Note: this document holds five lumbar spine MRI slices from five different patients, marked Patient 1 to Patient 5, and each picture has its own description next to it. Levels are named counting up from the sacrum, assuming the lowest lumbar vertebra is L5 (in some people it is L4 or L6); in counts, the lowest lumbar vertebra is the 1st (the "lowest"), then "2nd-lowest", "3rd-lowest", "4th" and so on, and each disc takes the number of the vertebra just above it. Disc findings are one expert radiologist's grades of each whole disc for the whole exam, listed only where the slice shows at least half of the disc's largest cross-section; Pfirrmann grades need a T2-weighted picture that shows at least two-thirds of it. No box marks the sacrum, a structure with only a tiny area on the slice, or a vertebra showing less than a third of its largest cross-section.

Patient 1 of 5:
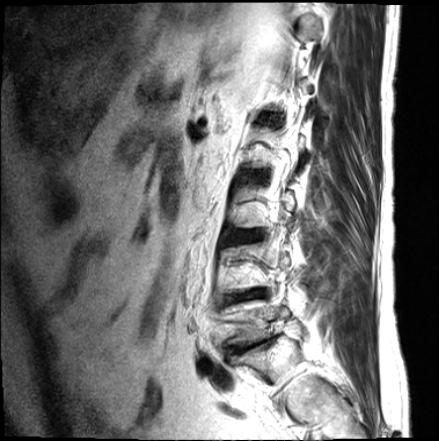
Sagittal T2-weighted lumbar spine MRI
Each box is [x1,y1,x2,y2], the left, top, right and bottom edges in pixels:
L3/L4 (3rd-lowest disc): [234,232,256,241]
L4/L5 (2nd-lowest disc): [224,289,265,303]

Per-level radiological findings:
- L4/L5 (2nd-lowest disc): upper-endplate change, lower-endplate change, disc narrowing, Modic type II, disc bulging

Patient 2 of 5:
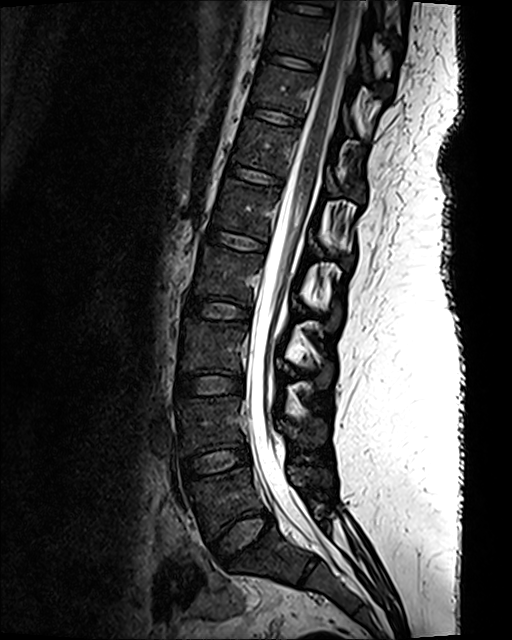
T2 SPACE (3D) sagittal MRI of the lumbar spine, Image 512x640

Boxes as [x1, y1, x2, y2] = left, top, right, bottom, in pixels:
{"L5/S1": "[212, 511, 274, 563]", "T11/T12": "[246, 106, 300, 125]", "T12 vertebra": "[233, 120, 364, 203]", "IVD L2/L3": "[185, 298, 250, 319]", "IVD T12/L1": "[228, 165, 282, 185]", "L5": "[187, 465, 331, 536]", "L3 vertebra": "[180, 317, 331, 386]", "T10": "[268, 11, 386, 76]", "IVD L3/L4": "[176, 375, 243, 396]", "IVD T10/T11": "[264, 51, 317, 69]", "L2": "[191, 245, 339, 329]", "L4 vertebra": "[177, 396, 324, 453]", "T11 vertebra": "[252, 64, 349, 133]", "IVD L4/L5": "[182, 445, 250, 478]", "IVD L1/L2": "[206, 229, 265, 250]", "thecal sac / spinal canal": "[246, 0, 361, 556]", "L1": "[212, 179, 321, 257]"}

Radiological gradings:
- T11/T12: Pfirrmann grade 1
- L1/L2: Pfirrmann grade 1
- L3/L4: Pfirrmann grade 1
- T10/T11: Pfirrmann grade 1
- L4/L5: Pfirrmann grade 1
- L2/L3: Pfirrmann grade 1
- T12/L1: Pfirrmann grade 1
- L5/S1: Pfirrmann grade 1

Patient 3 of 5:
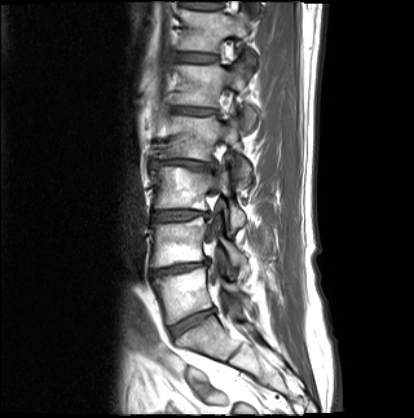

T1-weighted sagittal MRI of the lumbar spine, Patient sex: M

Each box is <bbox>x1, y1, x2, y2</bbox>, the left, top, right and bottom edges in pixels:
5th vertebra at <bbox>168, 63, 257, 130</bbox>, 4th disc at <bbox>150, 160, 215, 168</bbox>, thecal sac / spinal canal at <bbox>207, 224, 220, 285</bbox>, 3rd-lowest disc at <bbox>153, 210, 210, 222</bbox>, 2nd-lowest vertebra at <bbox>151, 217, 246, 267</bbox>, 3rd-lowest vertebra at <bbox>151, 167, 245, 232</bbox>, 2nd-lowest disc at <bbox>151, 261, 207, 276</bbox>, lowest disc at <bbox>171, 309, 214, 336</bbox>, 5th disc at <bbox>170, 106, 216, 114</bbox>, 6th vertebra at <bbox>177, 8, 255, 69</bbox>, 4th vertebra at <bbox>153, 116, 250, 187</bbox>, 6th disc at <bbox>175, 53, 216, 62</bbox>, lowest vertebra at <bbox>153, 267, 247, 324</bbox>.

Per-level radiological findings:
  lowest disc: Modic type II, disc narrowing, disc bulging
  2nd-lowest disc: disc narrowing, Modic type II, disc bulging, upper-endplate change, lower-endplate change
  4th disc: disc bulging, upper-endplate change, lower-endplate change, disc narrowing, Modic type II
  3rd-lowest disc: Modic type II, disc bulging, disc narrowing
  5th disc: Modic type II, disc bulging, disc narrowing, lower-endplate change, upper-endplate change
  6th disc: no Modic or endplate change, herniation, narrowing, bulging or spondylolisthesis recorded

Patient 4 of 5:
MRI lumbar spine (T1-weighted), sagittal plane.

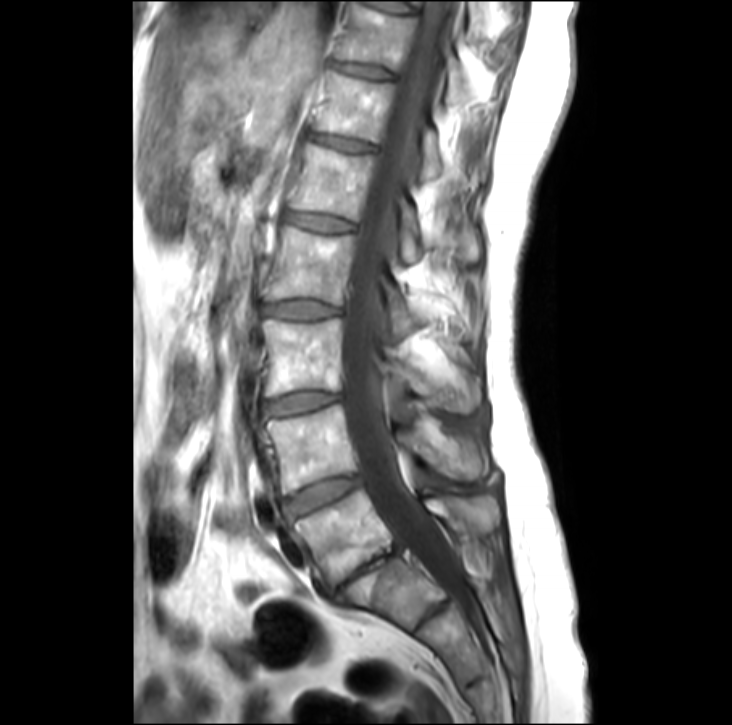 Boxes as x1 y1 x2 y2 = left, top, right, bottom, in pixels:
Structures:
• T11 (7th vertebra): 334 4 464 103
• L3 (3rd-lowest vertebra): 262 320 481 410
• intervertebral disc L1/L2 (5th disc): 283 213 351 231
• L4/L5 (2nd-lowest disc): 282 477 360 517
• L2 (4th vertebra): 266 228 419 343
• spinal canal: 341 0 462 595
• L2/L3 (4th disc): 266 301 337 319
• L1 (5th vertebra): 286 145 478 261
• intervertebral disc L5/S1 (lowest disc): 332 547 401 595
• L5 (lowest vertebra): 293 490 500 587
• intervertebral disc T12/L1 (6th disc): 307 133 369 151
• L4 (2nd-lowest vertebra): 262 406 489 495
• T12 (6th vertebra): 313 72 441 177
• intervertebral disc L3/L4 (3rd-lowest disc): 264 393 339 414
• T11/T12 (7th disc): 331 63 387 78

Per-level radiological findings:
• L4/L5 (2nd-lowest disc): disc bulging
• L3/L4 (3rd-lowest disc): disc bulging
• L5/S1 (lowest disc): disc narrowing, upper-endplate change, disc bulging, Modic type II, lower-endplate change
• L2/L3 (4th disc), T11/T12 (7th disc), T12/L1 (6th disc), L1/L2 (5th disc): no Modic or endplate change, herniation, narrowing, bulging or spondylolisthesis recorded

Patient 5 of 5:
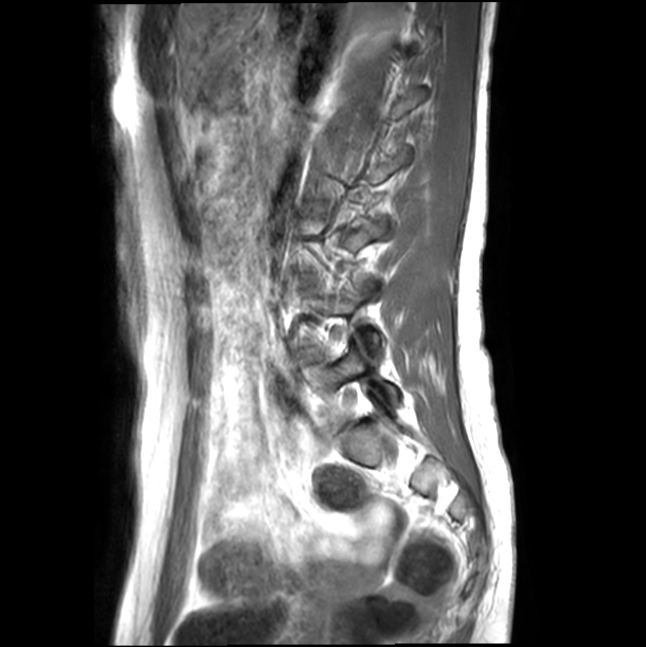 Sagittal T1-weighted lumbar spine MRI; Sagittal slice index 3; Field of view 308x308 mm; Sex F; 646x647 px
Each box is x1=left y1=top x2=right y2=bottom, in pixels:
2nd-lowest disc: x1=296 y1=349 x2=320 y2=361.
Lowest vertebra: x1=302 y1=349 x2=398 y2=402.